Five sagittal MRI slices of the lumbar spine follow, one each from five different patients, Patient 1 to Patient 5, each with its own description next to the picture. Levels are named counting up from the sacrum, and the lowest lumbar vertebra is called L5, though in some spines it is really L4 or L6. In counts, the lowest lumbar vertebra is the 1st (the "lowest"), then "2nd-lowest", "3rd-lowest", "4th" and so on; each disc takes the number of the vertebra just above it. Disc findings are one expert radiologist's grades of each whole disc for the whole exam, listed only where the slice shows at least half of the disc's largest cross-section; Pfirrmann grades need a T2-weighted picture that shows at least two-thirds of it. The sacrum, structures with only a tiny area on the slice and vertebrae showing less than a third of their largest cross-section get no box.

Patient 1 of 5:
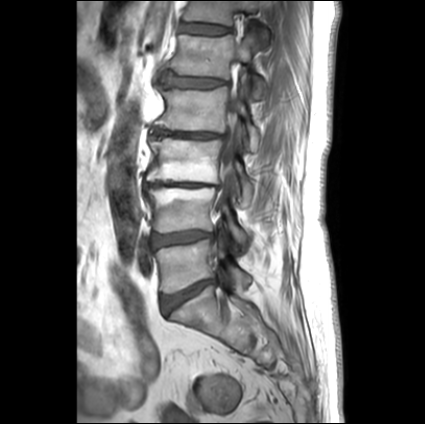
Patient sex: F. Slice 11/27. Field of view 281x281 mm. T1-weighted sagittal MRI of the lumbar spine.
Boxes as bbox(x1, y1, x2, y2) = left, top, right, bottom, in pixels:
L1 (5th vertebra) at bbox(170, 34, 266, 97).
L3 (3rd-lowest vertebra) at bbox(146, 138, 254, 205).
L2 (4th vertebra) at bbox(155, 80, 260, 149).
Disc L5/S1 (lowest disc) at bbox(161, 280, 214, 314).
Spinal canal at bbox(216, 95, 238, 210).
L4/L5 (2nd-lowest disc) at bbox(152, 231, 213, 248).
Disc T12/L1 (6th disc) at bbox(181, 22, 228, 34).
T12 (6th vertebra) at bbox(185, 1, 262, 25).
Disc L1/L2 (5th disc) at bbox(161, 70, 226, 87).
L3/L4 (3rd-lowest disc) at bbox(145, 183, 217, 188).
L4 (2nd-lowest vertebra) at bbox(145, 188, 246, 242).
L5 (lowest vertebra) at bbox(155, 240, 250, 293).
L2/L3 (4th disc) at bbox(152, 128, 223, 138).

Degenerative findings by level:
- L2/L3 (4th disc): disc bulging, upper-endplate change, disc narrowing, lower-endplate change
- L5/S1 (lowest disc): disc bulging
- L4/L5 (2nd-lowest disc): disc bulging
- L1/L2 (5th disc): lower-endplate change, upper-endplate change, disc bulging
- L3/L4 (3rd-lowest disc): lower-endplate change, disc bulging, disc narrowing, upper-endplate change, Modic type II
- T12/L1 (6th disc): no herniation, bulging, narrowing, spondylolisthesis, endplate or Modic change recorded

Patient 2 of 5:
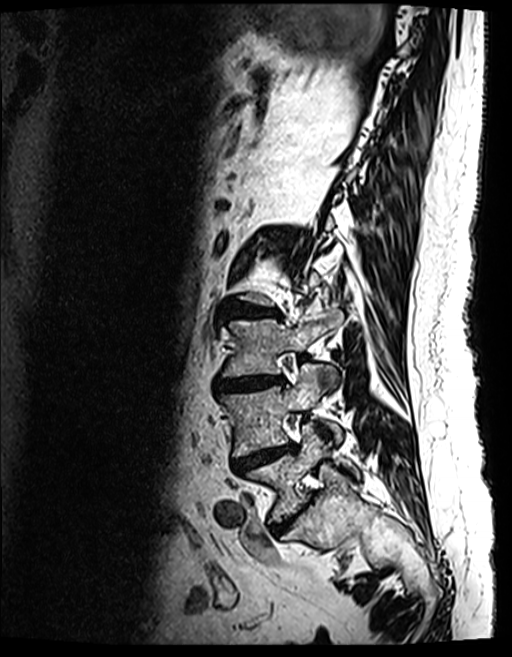 Slice 103 of 154. MRI lumbar spine (T2 SPACE (3D)), sagittal plane.
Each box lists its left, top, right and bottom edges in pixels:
3rd-lowest disc = left=216, top=376, right=283, bottom=390 | 3rd-lowest vertebra = left=222, top=309, right=342, bottom=376 | lowest vertebra = left=245, top=425, right=358, bottom=522 | lowest disc = left=272, top=505, right=302, bottom=530 | 4th disc = left=229, top=305, right=277, bottom=316 | 2nd-lowest disc = left=232, top=443, right=293, bottom=472 | 2nd-lowest vertebra = left=219, top=363, right=342, bottom=457

Per-level radiological findings:
• 2nd-lowest disc: Pfirrmann grade 5, Modic type II, disc narrowing, upper-endplate change, disc bulging, lower-endplate change
• 4th disc: Modic type II, upper-endplate change, disc narrowing, lower-endplate change, disc bulging
• 3rd-lowest disc: Pfirrmann grade 4, upper-endplate change, disc narrowing, Modic type II, lower-endplate change, disc bulging

Patient 3 of 5:
Image 384x384, Slice 7/17, Sagittal T2-weighted lumbar spine MRI
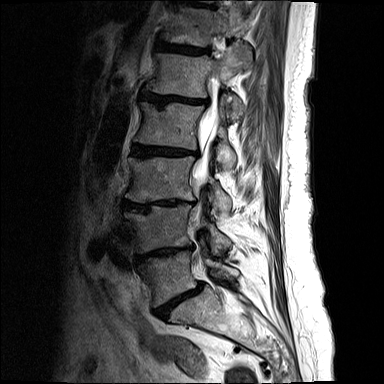 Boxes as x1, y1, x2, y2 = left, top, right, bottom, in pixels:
L3/L4 = 123, 200, 183, 211 | T11/T12 = 180, 0, 212, 7 | L3 vertebra = 126, 156, 231, 213 | T12 = 163, 1, 252, 46 | intervertebral disc T12/L1 = 157, 42, 208, 54 | L2 vertebra = 134, 101, 235, 168 | L5/S1 = 154, 283, 202, 318 | L1 vertebra = 144, 44, 251, 120 | L5 = 141, 251, 238, 306 | L1/L2 = 140, 92, 207, 106 | L2/L3 = 132, 144, 197, 156 | L4 vertebra = 124, 204, 230, 253 | intervertebral disc L4/L5 = 137, 246, 192, 261 | thecal sac / spinal canal = 193, 106, 218, 179

Radiological gradings:
- L2/L3: Pfirrmann grade 5, disc bulging, Modic type II, disc narrowing, lower-endplate change, upper-endplate change
- L1/L2: Pfirrmann grade 5, Modic type II, disc bulging, disc narrowing, upper-endplate change, lower-endplate change
- L4/L5: Pfirrmann grade 5, disc bulging, upper-endplate change, disc narrowing, lower-endplate change, Modic type II
- L3/L4: Pfirrmann grade 5, upper-endplate change, disc narrowing, Modic type II, disc bulging, lower-endplate change
- T11/T12: disc bulging, Modic type II, lower-endplate change, upper-endplate change
- T12/L1: Pfirrmann grade 4, upper-endplate change, disc bulging, Modic type II, lower-endplate change
- L5/S1: disc bulging, lower-endplate change, upper-endplate change, Modic type II, spondylolisthesis, disc narrowing

Patient 4 of 5:
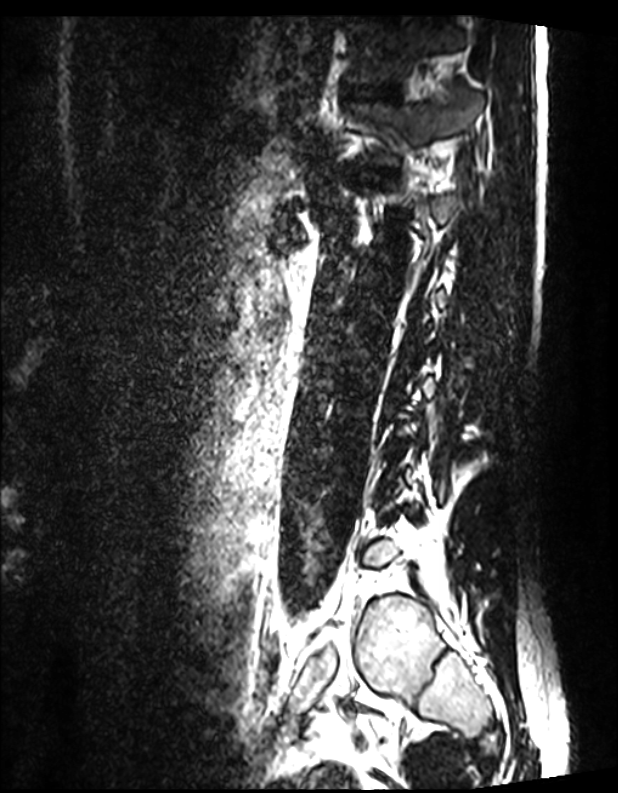
Slice 102/144. 618x793 px. Lumbar spine MR, T2 SPACE (3D), sagittal.
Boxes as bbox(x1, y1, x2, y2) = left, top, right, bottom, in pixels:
T12/L1 at bbox(361, 169, 383, 178); T12 vertebra at bbox(357, 91, 478, 162); T11/T12 at bbox(354, 86, 394, 99); T11 vertebra at bbox(345, 17, 472, 84).

Expert MSK radiologist gradings (per disc):
• T11/T12: no spondylolisthesis, narrowing, bulging, herniation, Modic or endplate change recorded

Patient 5 of 5:
Sagittal slice index 13; SIEMENS Avanto_fit (1.5T); 568x569 px; Sex M; MRI lumbar spine (T2-weighted), sagittal plane
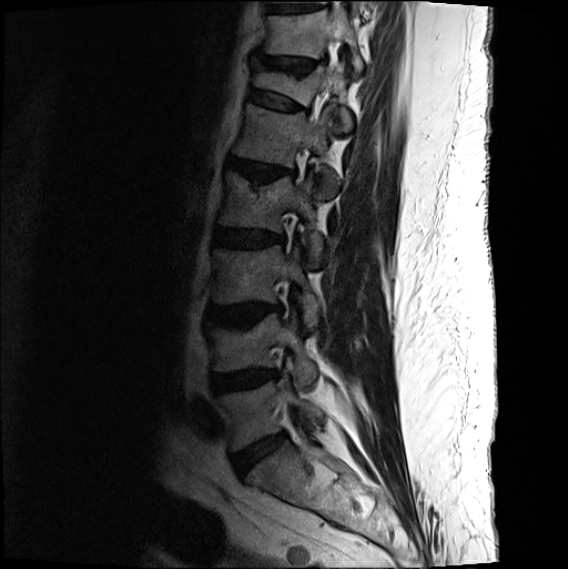 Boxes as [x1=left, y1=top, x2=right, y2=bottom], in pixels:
L2/L3: [x1=213, y1=227, x2=285, y2=247]
L5: [x1=215, y1=379, x2=323, y2=451]
spinal canal: [x1=313, y1=1, x2=343, y2=121]
L3 vertebra: [x1=212, y1=245, x2=320, y2=328]
L4/L5: [x1=211, y1=369, x2=279, y2=393]
intervertebral disc T12/L1: [x1=248, y1=88, x2=305, y2=110]
L3/L4: [x1=207, y1=303, x2=283, y2=326]
T12 vertebra: [x1=252, y1=64, x2=354, y2=132]
L2: [x1=219, y1=170, x2=323, y2=267]
L4 vertebra: [x1=206, y1=313, x2=318, y2=386]
T11/T12: [x1=251, y1=52, x2=325, y2=72]
intervertebral disc L5/S1: [x1=232, y1=433, x2=285, y2=476]
T11: [x1=260, y1=9, x2=364, y2=73]
L1: [x1=232, y1=103, x2=337, y2=198]
intervertebral disc L1/L2: [x1=226, y1=155, x2=295, y2=181]

Per-level radiological findings:
  L3/L4: Pfirrmann grade 3, upper-endplate change, disc bulging, Modic type II, lower-endplate change
  L4/L5: Pfirrmann grade 3, disc bulging, disc narrowing
  L5/S1: Pfirrmann grade 2, disc bulging
  L2/L3: Pfirrmann grade 3, lower-endplate change, disc bulging
  T11/T12: Pfirrmann grade 2, upper-endplate change, disc narrowing, disc bulging, lower-endplate change
  T12/L1: Pfirrmann grade 2, lower-endplate change, spondylolisthesis, disc bulging, upper-endplate change
  L1/L2: Pfirrmann grade 3, disc narrowing, lower-endplate change, disc bulging, Modic type II, upper-endplate change